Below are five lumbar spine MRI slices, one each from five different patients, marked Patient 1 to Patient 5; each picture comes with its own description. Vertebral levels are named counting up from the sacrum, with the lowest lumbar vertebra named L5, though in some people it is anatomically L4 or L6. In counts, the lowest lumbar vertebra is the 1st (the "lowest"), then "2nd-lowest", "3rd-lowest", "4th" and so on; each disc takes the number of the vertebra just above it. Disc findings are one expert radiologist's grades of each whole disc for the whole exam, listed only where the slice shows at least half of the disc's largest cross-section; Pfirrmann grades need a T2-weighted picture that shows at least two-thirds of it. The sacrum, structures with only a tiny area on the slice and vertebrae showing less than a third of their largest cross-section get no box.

Patient 1 of 5:
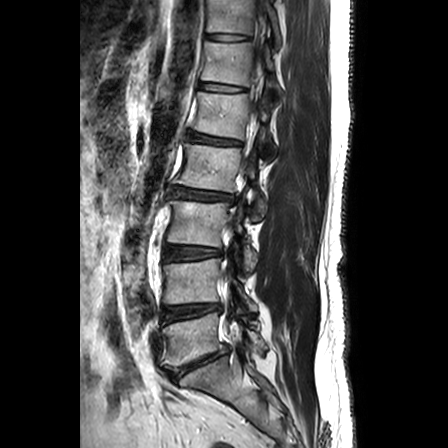 Sagittal T2-weighted lumbar spine MRI
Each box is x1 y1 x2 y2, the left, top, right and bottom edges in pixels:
L3 vertebra: 167 199 257 271.
T11: 207 0 281 48.
T12 vertebra: 201 41 283 94.
IVD T11/T12: 206 34 248 40.
L5/S1: 168 345 228 380.
IVD L1/L2: 188 133 240 144.
L5 vertebra: 161 312 266 369.
L2/L3: 173 187 233 202.
T12/L1: 200 82 243 91.
L1 vertebra: 192 92 277 162.
IVD L4/L5: 164 304 220 322.
L3/L4: 165 246 221 260.
L4 vertebra: 163 251 257 311.
L2: 175 142 266 221.

Radiological gradings:
• L5/S1: Pfirrmann grade 5, lower-endplate change, spondylolisthesis, Modic type II, disc herniation, disc narrowing, upper-endplate change, disc bulging
• T11/T12: Pfirrmann grade 1
• L2/L3: Pfirrmann grade 3, disc bulging
• T12/L1: Pfirrmann grade 1
• L3/L4: Pfirrmann grade 2, disc bulging
• L1/L2: Pfirrmann grade 3, lower-endplate change, Modic type II, upper-endplate change, disc bulging
• L4/L5: Pfirrmann grade 3, disc bulging, disc narrowing

Patient 2 of 5:
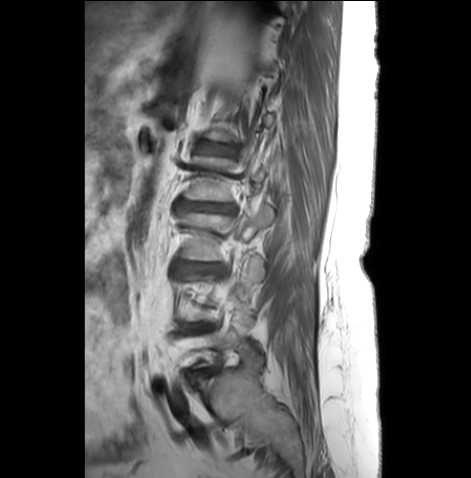 Sagittal T1-weighted lumbar spine MRI.

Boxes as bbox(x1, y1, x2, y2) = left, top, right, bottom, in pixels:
4th disc: bbox(178, 201, 234, 212) | 3rd-lowest disc: bbox(176, 263, 219, 271) | 5th disc: bbox(199, 142, 235, 153) | 3rd-lowest vertebra: bbox(181, 205, 275, 261) | lowest disc: bbox(198, 367, 214, 374) | 2nd-lowest disc: bbox(192, 324, 208, 329)

Degenerative findings by level:
• 5th disc: disc bulging, upper-endplate change, Modic type II, lower-endplate change
• 3rd-lowest disc: disc narrowing, Modic type II, disc bulging
• 4th disc: disc bulging, disc narrowing, upper-endplate change, Modic type II, lower-endplate change

Patient 3 of 5:
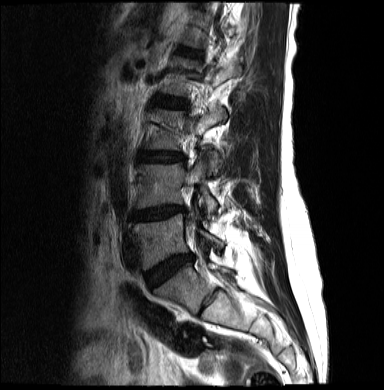
T2-weighted sagittal MRI of the lumbar spine, Patient sex: F

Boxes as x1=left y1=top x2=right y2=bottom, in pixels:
L5 at x1=133 y1=214 x2=223 y2=269 | L4 vertebra at x1=136 y1=153 x2=217 y2=214 | disc L5/S1 at x1=145 y1=255 x2=192 y2=287 | L3/L4 at x1=140 y1=152 x2=184 y2=162 | L2 vertebra at x1=162 y1=56 x2=241 y2=96 | L2/L3 at x1=158 y1=97 x2=185 y2=107 | L3 vertebra at x1=145 y1=106 x2=225 y2=171 | disc L4/L5 at x1=132 y1=205 x2=184 y2=220 | disc L1/L2 at x1=180 y1=49 x2=196 y2=55

Per-level radiological findings:
  L4/L5: Pfirrmann grade 4, disc bulging, upper-endplate change, disc narrowing, lower-endplate change
  L5/S1: Pfirrmann grade 4, disc bulging, disc narrowing
  L3/L4: no herniation, bulging, narrowing, spondylolisthesis, endplate or Modic change recorded

Patient 4 of 5:
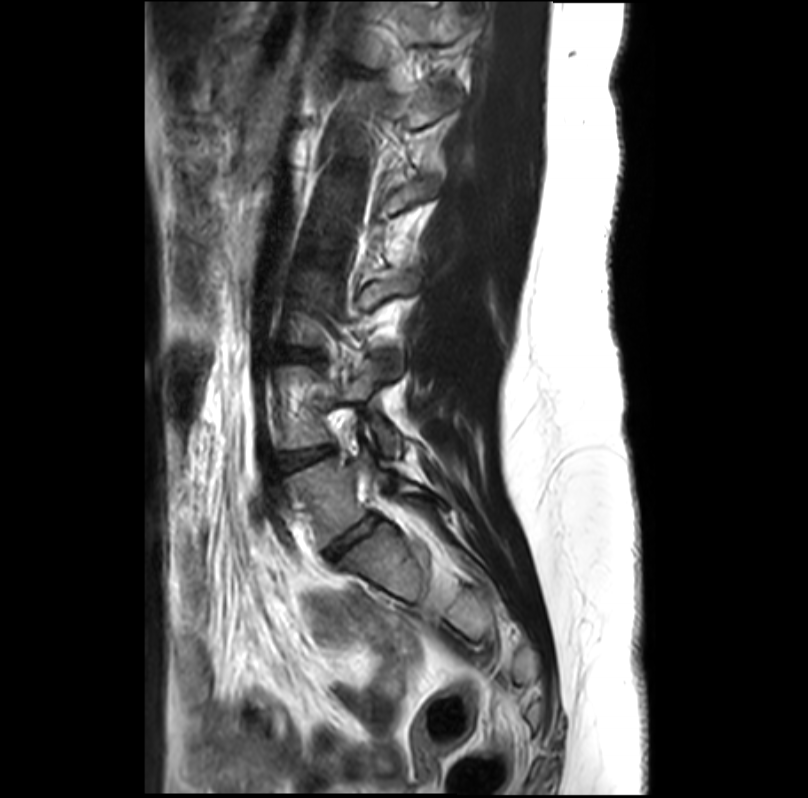 Lumbar spine MR, T2-weighted, sagittal, Patient sex: F, Slice spacing 3.4 mm, 808x798 px

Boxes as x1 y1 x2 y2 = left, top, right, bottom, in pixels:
Segmented structures:
- 2nd-lowest disc = 282 448 329 469
- lowest disc = 330 518 377 555
- lowest vertebra = 288 451 447 546

Expert MSK radiologist gradings (per disc):
  lowest disc: disc narrowing

Patient 5 of 5:
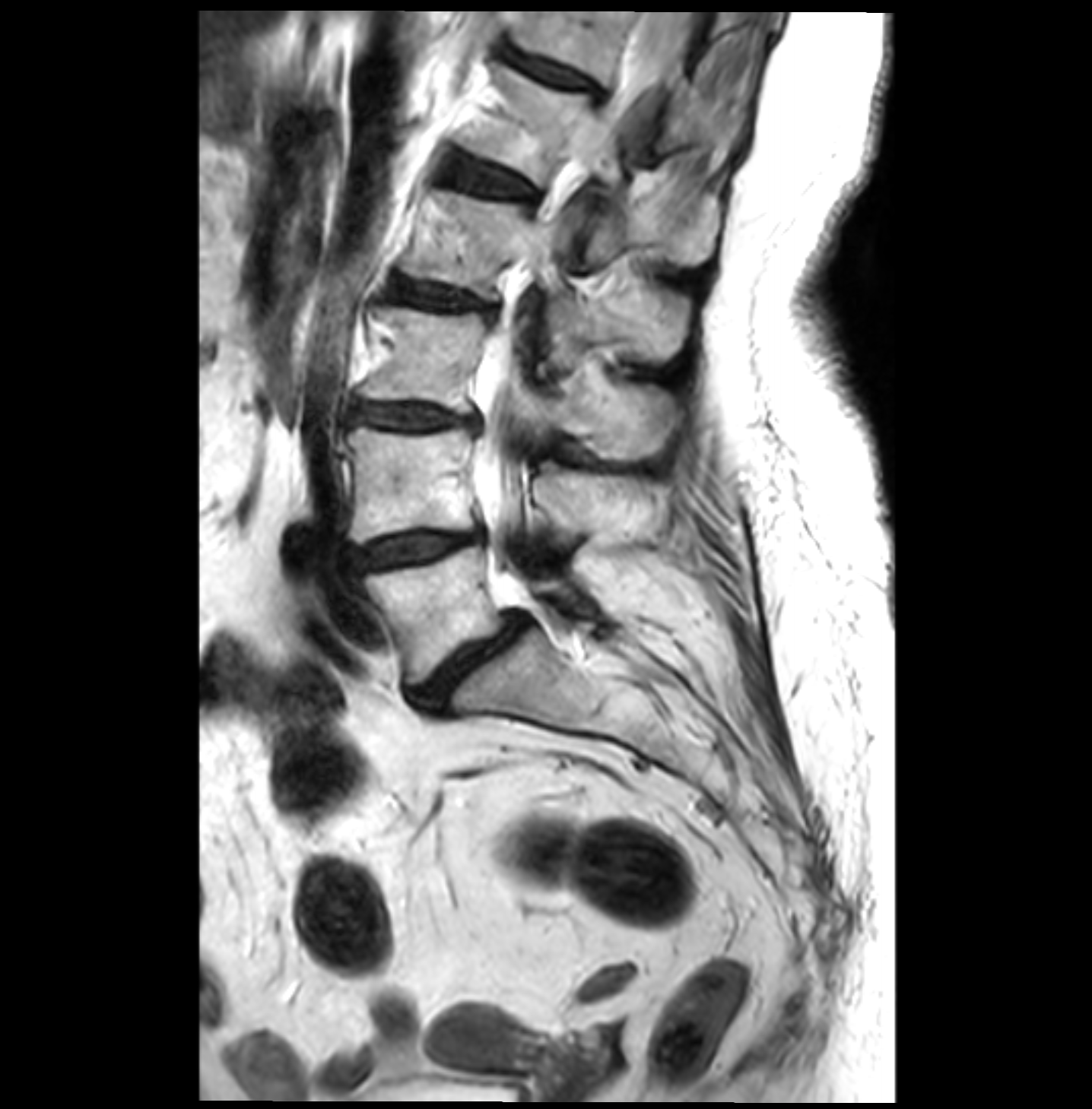
T2-weighted sagittal MRI of the lumbar spine. Slice 20/36. Field of view 283x287 mm. 1092x1109 px.

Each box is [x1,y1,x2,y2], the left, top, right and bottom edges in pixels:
Annotations:
- L4 vertebra: [348,427,666,540]
- disc L4/L5: [344,530,481,576]
- L3/L4: [350,404,479,433]
- L3 vertebra: [364,307,675,460]
- L2 vertebra: [405,191,689,373]
- thecal sac / spinal canal: [476,12,677,570]
- L2/L3: [386,279,497,323]
- L1 vertebra: [462,65,719,268]
- disc T12/L1: [510,54,602,95]
- L5/S1: [413,613,528,708]
- L5: [364,546,602,683]
- T12 vertebra: [515,10,738,151]
- disc L1/L2: [446,154,532,200]

Degenerative findings by level:
• L1/L2: Modic type II
• L5/S1: Pfirrmann grade 4, disc bulging, Modic type II, disc narrowing, spondylolisthesis
• L2/L3: Modic type II, disc bulging
• T12/L1: disc bulging
• L3/L4: Pfirrmann grade 3, disc bulging, Modic type II, disc narrowing
• L4/L5: Pfirrmann grade 3, disc narrowing, disc bulging, Modic type II